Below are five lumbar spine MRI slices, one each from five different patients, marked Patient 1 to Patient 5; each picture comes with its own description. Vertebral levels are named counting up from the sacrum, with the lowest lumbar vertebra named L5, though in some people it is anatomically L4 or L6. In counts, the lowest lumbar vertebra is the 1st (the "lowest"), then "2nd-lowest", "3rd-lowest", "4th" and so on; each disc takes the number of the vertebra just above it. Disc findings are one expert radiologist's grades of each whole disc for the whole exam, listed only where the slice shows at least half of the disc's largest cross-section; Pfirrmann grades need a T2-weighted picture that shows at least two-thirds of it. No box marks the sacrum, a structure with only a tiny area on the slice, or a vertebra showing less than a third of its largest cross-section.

Patient 1 of 5:
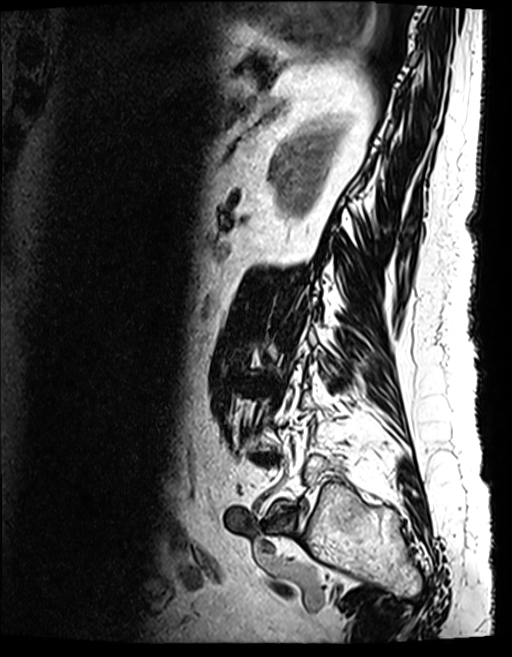
Sagittal T2 SPACE (3D) lumbar spine MRI

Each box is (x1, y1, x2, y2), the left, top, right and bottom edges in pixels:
{"2nd-lowest disc": "(254, 455, 277, 463)", "lowest disc": "(268, 510, 297, 531)"}

Patient 2 of 5:
Sex M, Field of view 300x305 mm, slice spacing 3.2 mm, Sagittal T1-weighted lumbar spine MRI, Sagittal slice index 12, 512x521 px
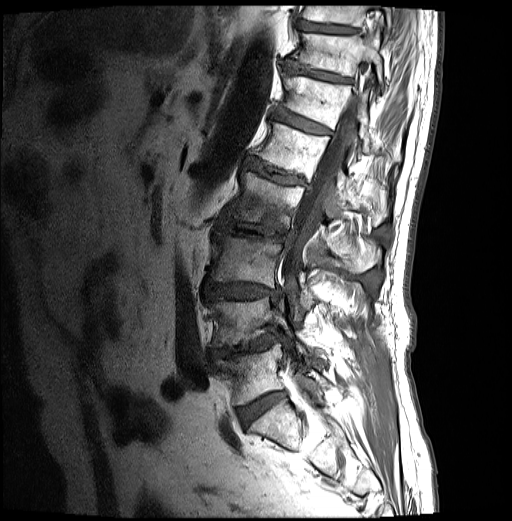
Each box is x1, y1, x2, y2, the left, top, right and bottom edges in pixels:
3rd-lowest vertebra: 209, 231, 359, 320
thecal sac / spinal canal: 282, 64, 368, 283
5th vertebra: 250, 122, 387, 225
7th disc: 284, 61, 351, 83
3rd-lowest disc: 204, 281, 276, 299
5th disc: 244, 156, 307, 185
4th disc: 217, 217, 289, 242
4th vertebra: 227, 172, 381, 273
6th vertebra: 281, 72, 400, 161
6th disc: 273, 108, 331, 134
2nd-lowest vertebra: 211, 297, 304, 351
8th vertebra: 302, 6, 392, 37
lowest vertebra: 216, 344, 327, 404
8th disc: 298, 21, 358, 33
lowest disc: 238, 392, 284, 425
2nd-lowest disc: 213, 339, 271, 357
7th vertebra: 291, 33, 384, 90

Expert MSK radiologist gradings (per disc):
• 4th disc: disc narrowing, Modic type I, lower-endplate change, upper-endplate change, disc bulging
• 5th disc: upper-endplate change, disc bulging, lower-endplate change, Modic type II
• 6th disc: upper-endplate change, Modic type II, lower-endplate change, disc bulging
• 3rd-lowest disc: disc bulging, lower-endplate change, upper-endplate change
• 7th disc: disc bulging, lower-endplate change, upper-endplate change
• 8th disc, lowest disc: no Modic or endplate change, herniation, narrowing, bulging or spondylolisthesis recorded

Patient 3 of 5:
Sagittal T2-weighted lumbar spine MRI. Slice 11/21.
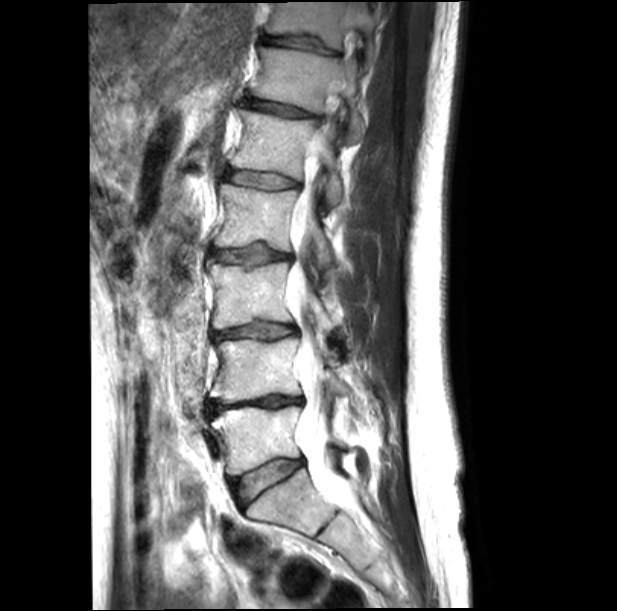 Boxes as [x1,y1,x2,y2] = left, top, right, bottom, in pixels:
T11/T12: [261,36,337,54] | thecal sac / spinal canal: [286,94,358,517] | disc L4/L5: [208,395,302,415] | disc L3/L4: [213,321,297,340] | T12 vertebra: [252,47,364,142] | L4 vertebra: [210,336,346,402] | T11: [266,2,376,64] | L3 vertebra: [208,261,340,331] | disc T12/L1: [243,99,311,116] | L5/S1: [233,459,303,507] | L2/L3: [211,245,291,265] | disc L1/L2: [225,169,297,188] | L1 vertebra: [231,110,343,207] | L5 vertebra: [213,406,344,475] | L2 vertebra: [214,184,335,269]

Expert MSK radiologist gradings (per disc):
• T11/T12: Pfirrmann grade 3, lower-endplate change, upper-endplate change, disc narrowing
• T12/L1: Pfirrmann grade 3, upper-endplate change, lower-endplate change, disc narrowing, disc bulging
• L3/L4: Pfirrmann grade 3, disc narrowing, lower-endplate change, upper-endplate change, disc bulging
• L5/S1: Pfirrmann grade 2, disc bulging
• L2/L3: Pfirrmann grade 3, lower-endplate change, disc bulging, upper-endplate change
• L1/L2: Pfirrmann grade 3, disc bulging, upper-endplate change, lower-endplate change
• L4/L5: Pfirrmann grade 5, disc narrowing, lower-endplate change, disc bulging, upper-endplate change

Patient 4 of 5:
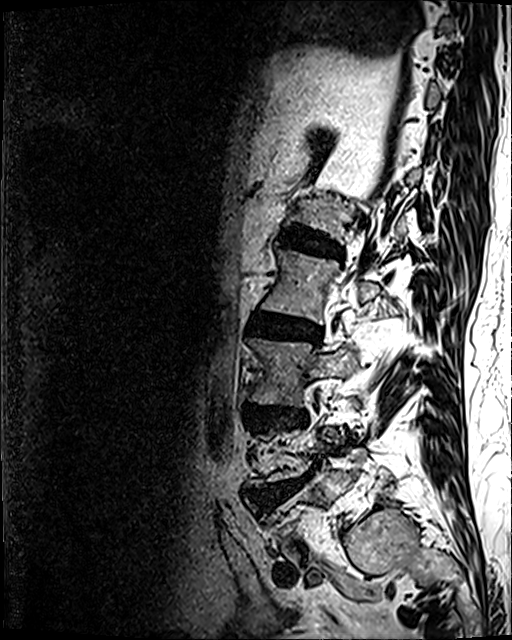 Sagittal T2 SPACE (3D) lumbar spine MRI, Field of view 240x300 mm, Patient sex: M, Slice 33 of 120

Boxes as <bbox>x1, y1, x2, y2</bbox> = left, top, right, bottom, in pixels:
IVD L4/L5: <bbox>252, 480, 303, 507</bbox>.
L2: <bbox>262, 249, 379, 323</bbox>.
IVD L2/L3: <bbox>249, 313, 319, 341</bbox>.
L3: <bbox>251, 338, 356, 406</bbox>.
IVD L1/L2: <bbox>288, 228, 340, 256</bbox>.
L3/L4: <bbox>256, 407, 305, 425</bbox>.

Degenerative findings by level:
• L3/L4: lower-endplate change, upper-endplate change, disc narrowing, disc bulging
• L1/L2: upper-endplate change, lower-endplate change, disc narrowing, disc bulging
• L4/L5: Modic type II, disc herniation, upper-endplate change, disc narrowing, disc bulging, lower-endplate change
• L2/L3: Pfirrmann grade 4, upper-endplate change, disc bulging, Modic type II, lower-endplate change, disc narrowing

Patient 5 of 5:
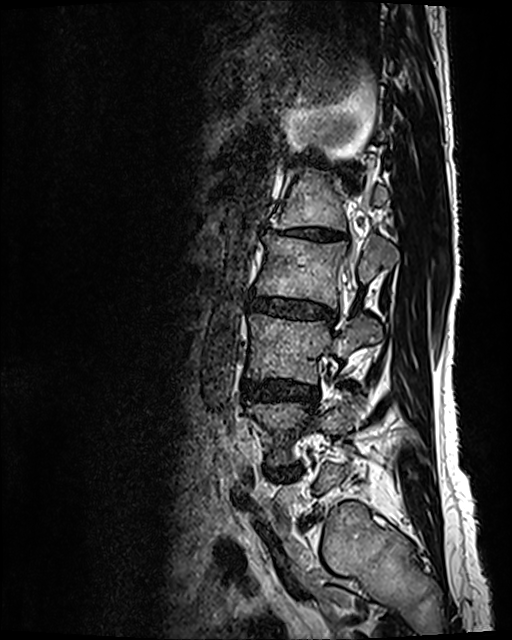 Sagittal T2 SPACE (3D) lumbar spine MRI; Sex F; Sagittal slice index 36
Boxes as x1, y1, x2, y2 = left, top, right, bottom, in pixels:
L1 (5th vertebra) = 276, 167, 388, 230.
L2 (4th vertebra) = 256, 235, 398, 307.
L1/L2 (5th disc) = 262, 224, 347, 240.
L3 (3rd-lowest vertebra) = 248, 313, 382, 383.
L3/L4 (3rd-lowest disc) = 243, 379, 317, 404.
T12/L1 (6th disc) = 301, 154, 321, 165.
L4 (2nd-lowest vertebra) = 247, 391, 368, 465.
L4/L5 (2nd-lowest disc) = 270, 468, 297, 477.
Intervertebral disc L2/L3 (4th disc) = 250, 295, 336, 325.

Expert MSK radiologist gradings (per disc):
• L1/L2 (5th disc): Pfirrmann grade 5, disc narrowing, upper-endplate change, Modic type II, disc bulging, lower-endplate change
• L3/L4 (3rd-lowest disc): Pfirrmann grade 3, disc bulging
• L2/L3 (4th disc): Pfirrmann grade 3, disc narrowing, disc bulging